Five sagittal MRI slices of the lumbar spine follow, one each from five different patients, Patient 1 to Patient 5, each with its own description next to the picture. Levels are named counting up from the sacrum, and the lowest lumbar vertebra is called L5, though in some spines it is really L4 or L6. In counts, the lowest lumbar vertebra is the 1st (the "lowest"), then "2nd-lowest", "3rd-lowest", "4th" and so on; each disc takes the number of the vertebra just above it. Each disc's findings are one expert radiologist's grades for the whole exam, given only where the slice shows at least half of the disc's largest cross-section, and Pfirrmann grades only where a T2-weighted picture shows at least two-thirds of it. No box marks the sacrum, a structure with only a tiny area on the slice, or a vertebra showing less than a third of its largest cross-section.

Patient 1 of 5:
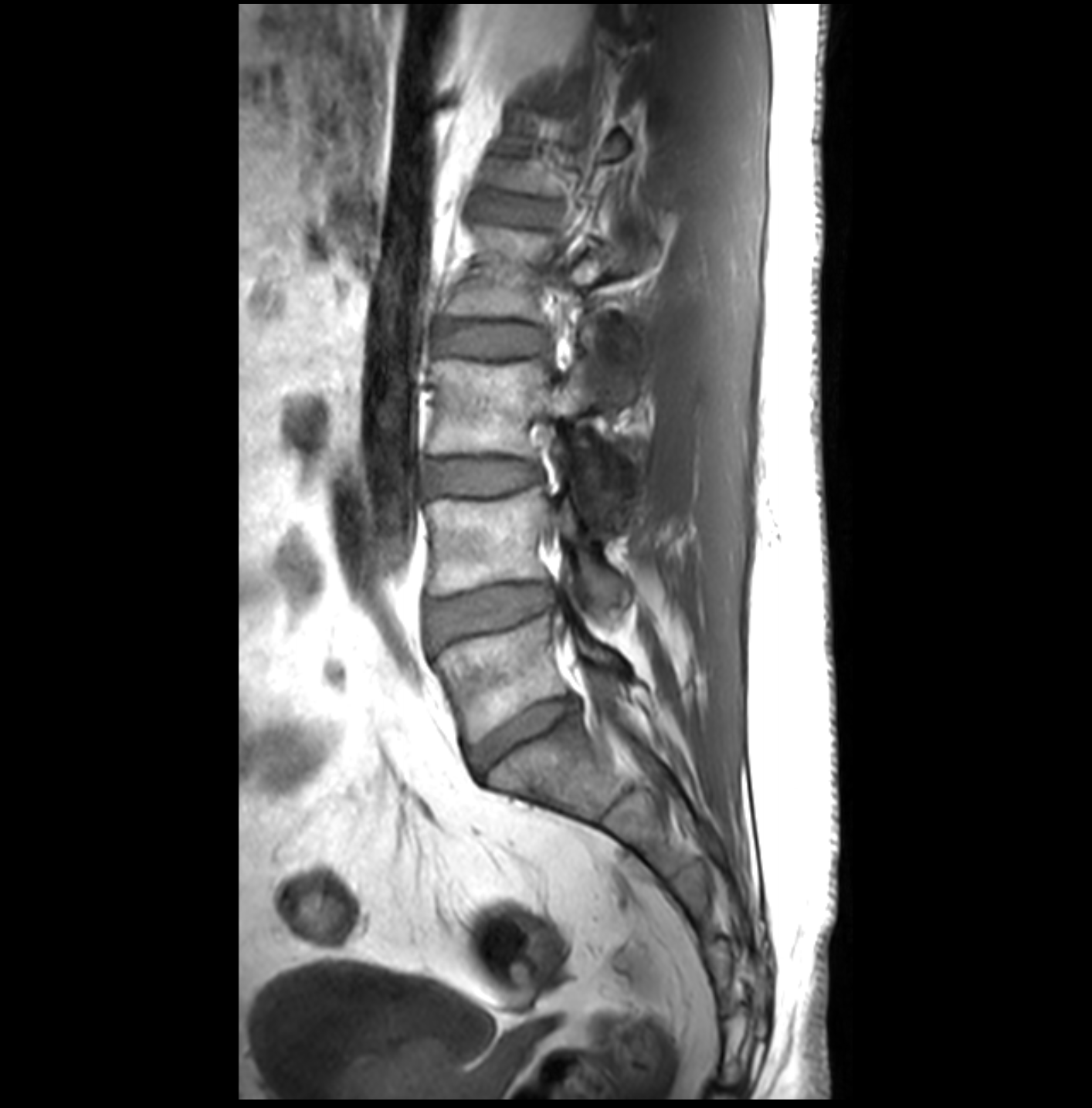
Lumbar spine MR, T1-weighted, sagittal. Sex M.
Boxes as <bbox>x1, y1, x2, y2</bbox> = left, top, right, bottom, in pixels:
L3/L4: <bbox>426, 459, 540, 493</bbox> | L3 vertebra: <bbox>428, 358, 617, 502</bbox> | L5/S1: <bbox>469, 696, 578, 774</bbox> | L5: <bbox>435, 615, 622, 744</bbox> | L1/L2: <bbox>491, 201, 533, 222</bbox> | IVD L2/L3: <bbox>435, 322, 544, 356</bbox> | L2 vertebra: <bbox>447, 227, 644, 321</bbox> | IVD L4/L5: <bbox>428, 584, 550, 647</bbox> | L4 vertebra: <bbox>428, 488, 629, 610</bbox>

Expert MSK radiologist gradings (per disc):
  L4/L5: disc herniation
  L3/L4, L2/L3, L5/S1: no herniation, bulging, narrowing, spondylolisthesis, endplate or Modic change recorded

Patient 2 of 5:
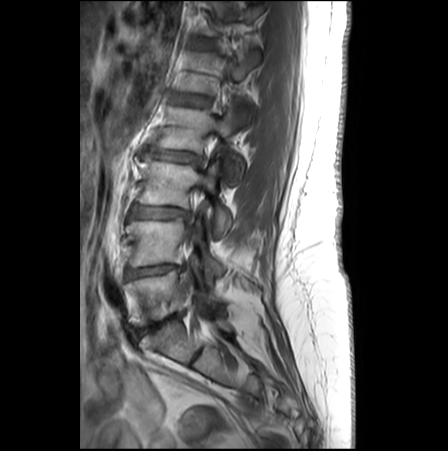
Image 448x451 | Patient sex: F | Sagittal T1-weighted lumbar spine MRI
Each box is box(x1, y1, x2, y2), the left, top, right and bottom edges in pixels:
4th vertebra = box(157, 106, 243, 184) | 3rd-lowest disc = box(129, 205, 188, 218) | 2nd-lowest disc = box(125, 265, 183, 279) | 5th disc = box(170, 93, 209, 106) | lowest vertebra = box(125, 270, 219, 326) | 2nd-lowest vertebra = box(126, 217, 224, 280) | 4th disc = box(147, 147, 201, 161) | 5th vertebra = box(179, 51, 258, 123) | 6th disc = box(197, 38, 213, 46) | 3rd-lowest vertebra = box(137, 158, 231, 238) | thecal sac / spinal canal = box(187, 229, 193, 244) | lowest disc = box(135, 313, 180, 335)

Degenerative findings by level:
  2nd-lowest disc: disc narrowing, upper-endplate change, Modic type II, disc bulging
  3rd-lowest disc: Modic type II, disc bulging
  4th disc: disc bulging, disc narrowing
  5th disc: no spondylolisthesis, narrowing, bulging, herniation, Modic or endplate change recorded

Patient 3 of 5:
MRI lumbar spine (T1-weighted), sagittal plane. Field of view 281x281 mm. 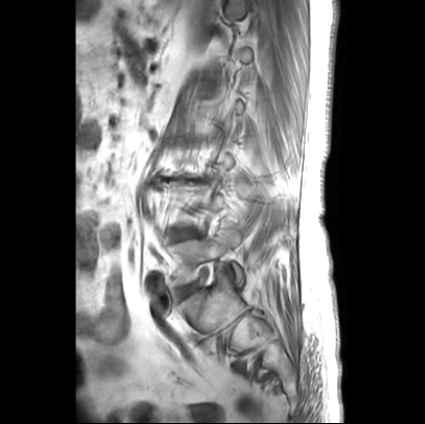

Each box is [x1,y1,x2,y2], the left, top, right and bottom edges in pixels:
L5 vertebra: [173,226,243,286] | IVD L5/S1: [182,285,194,296] | IVD L3/L4: [162,177,200,181] | L4/L5: [175,230,198,239]

Patient 4 of 5:
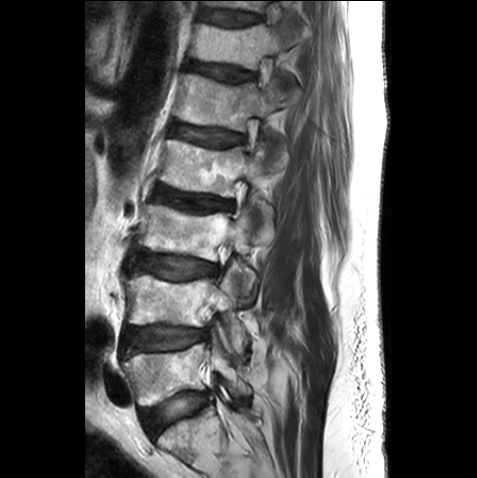 Sagittal slice index 17. Sex M. Sagittal T2-weighted lumbar spine MRI.
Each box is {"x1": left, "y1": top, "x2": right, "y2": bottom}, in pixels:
{"L2/L3": {"x1": 153, "y1": 185, "x2": 233, "y2": 215}, "T11 vertebra": {"x1": 205, "y1": 0, "x2": 265, "y2": 12}, "intervertebral disc T12/L1": {"x1": 188, "y1": 61, "x2": 254, "y2": 82}, "L2": {"x1": 157, "y1": 139, "x2": 277, "y2": 223}, "L5 vertebra": {"x1": 122, "y1": 338, "x2": 251, "y2": 405}, "L5/S1": {"x1": 141, "y1": 392, "x2": 206, "y2": 434}, "T12 vertebra": {"x1": 189, "y1": 14, "x2": 298, "y2": 86}, "L3": {"x1": 138, "y1": 204, "x2": 256, "y2": 304}, "intervertebral disc T11/T12": {"x1": 202, "y1": 9, "x2": 260, "y2": 26}, "L4/L5": {"x1": 122, "y1": 327, "x2": 208, "y2": 352}, "L1/L2": {"x1": 170, "y1": 124, "x2": 244, "y2": 146}, "intervertebral disc L3/L4": {"x1": 135, "y1": 252, "x2": 218, "y2": 279}, "L4 vertebra": {"x1": 123, "y1": 269, "x2": 248, "y2": 360}, "L1": {"x1": 173, "y1": 72, "x2": 294, "y2": 147}}

Radiological gradings:
  T12/L1: Pfirrmann grade 3, upper-endplate change
  L2/L3: Pfirrmann grade 3, upper-endplate change
  T11/T12: Pfirrmann grade 2
  L5/S1: Pfirrmann grade 1
  L1/L2: Pfirrmann grade 3
  L4/L5: Pfirrmann grade 2, lower-endplate change
  L3/L4: Pfirrmann grade 2

Patient 5 of 5:
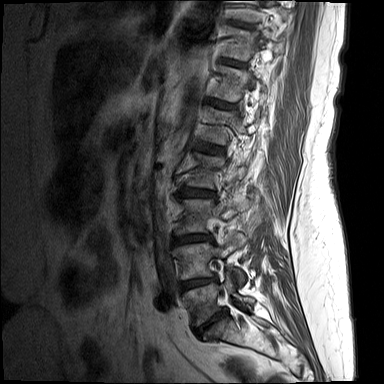
Slice 4/15. Sagittal T1-weighted lumbar spine MRI. Sex F.
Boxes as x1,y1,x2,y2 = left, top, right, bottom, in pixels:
L4 vertebra at 176,233,246,285.
L3 at 177,199,250,233.
L4/L5 at 182,278,214,288.
L2 at 188,154,246,188.
T12 at 213,66,265,101.
L2/L3 at 181,187,214,196.
L1/L2 at 197,142,223,153.
Intervertebral disc L5/S1 at 196,308,228,335.
T12/L1 at 211,100,232,108.
T11 vertebra at 224,27,284,59.
Intervertebral disc L3/L4 at 174,234,209,243.
T11/T12 at 224,59,242,66.
T10/T11 at 230,21,248,27.
L5 at 183,271,254,325.

Radiological gradings:
- L3/L4: disc bulging, disc narrowing
- L1/L2: Modic type II
- L5/S1: Modic type II, disc narrowing, disc bulging
- L4/L5: disc narrowing, disc bulging
- L2/L3: disc bulging, Modic type II
- T12/L1: no Modic or endplate change, herniation, narrowing, bulging or spondylolisthesis recorded